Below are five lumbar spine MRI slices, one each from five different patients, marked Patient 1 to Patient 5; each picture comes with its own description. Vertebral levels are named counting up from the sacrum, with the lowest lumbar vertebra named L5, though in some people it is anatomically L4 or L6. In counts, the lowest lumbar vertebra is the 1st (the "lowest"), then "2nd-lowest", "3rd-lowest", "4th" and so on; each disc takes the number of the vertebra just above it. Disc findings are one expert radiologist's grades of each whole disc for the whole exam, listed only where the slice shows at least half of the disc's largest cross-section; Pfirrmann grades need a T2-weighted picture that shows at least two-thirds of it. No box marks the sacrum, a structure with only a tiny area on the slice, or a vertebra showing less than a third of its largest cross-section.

Patient 1 of 5:
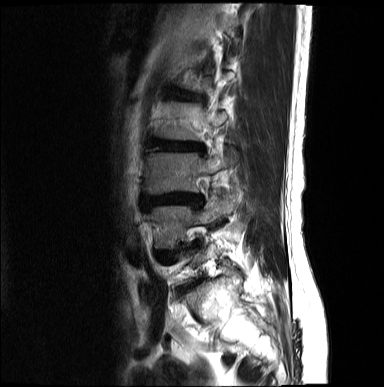 T2-weighted sagittal MRI of the lumbar spine.
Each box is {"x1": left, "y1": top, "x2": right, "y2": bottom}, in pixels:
Segmented structures:
* L3/L4: {"x1": 142, "y1": 192, "x2": 200, "y2": 206}
* L3 vertebra: {"x1": 145, "y1": 147, "x2": 239, "y2": 194}
* L4: {"x1": 152, "y1": 197, "x2": 229, "y2": 247}
* L2/L3: {"x1": 152, "y1": 139, "x2": 202, "y2": 150}
* disc L1/L2: {"x1": 177, "y1": 93, "x2": 192, "y2": 99}

Degenerative findings by level:
- L2/L3: Pfirrmann grade 4, disc bulging, lower-endplate change, upper-endplate change, disc narrowing
- L3/L4: Pfirrmann grade 5, disc bulging, upper-endplate change, disc narrowing, lower-endplate change

Patient 2 of 5:
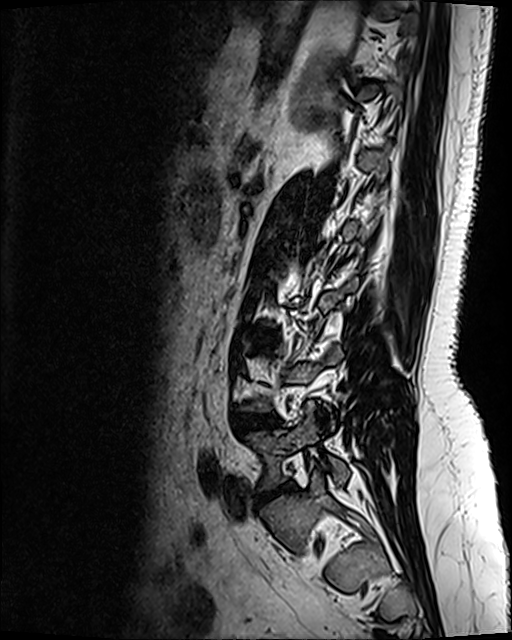
Slice 36 of 120 | Sagittal T2 SPACE (3D) lumbar spine MRI
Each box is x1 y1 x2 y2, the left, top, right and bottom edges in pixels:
IVD L5/S1 at 257 486 290 502, L5 at 246 401 349 489, IVD L4/L5 at 233 414 280 430, L3/L4 at 252 331 278 345.

Patient 3 of 5:
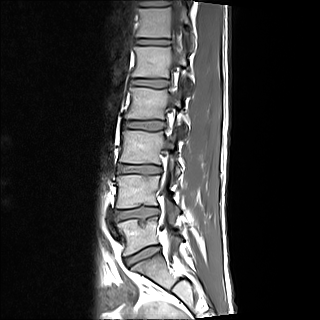

Slice 10/15; 320x320 px; Lumbar spine MR, T1-weighted, sagittal
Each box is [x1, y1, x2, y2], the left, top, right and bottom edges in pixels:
Structures:
* T11 at [141, 0, 191, 3]
* L2 at [125, 87, 187, 134]
* intervertebral disc L3/L4 at [118, 165, 161, 173]
* T12/L1 at [136, 39, 169, 44]
* L3 at [119, 130, 180, 175]
* intervertebral disc L1/L2 at [130, 79, 167, 87]
* L4/L5 at [115, 207, 158, 219]
* T12 vertebra at [136, 7, 194, 51]
* L4 at [116, 175, 179, 210]
* L5 vertebra at [116, 217, 183, 255]
* spinal canal at [161, 0, 182, 258]
* intervertebral disc L2/L3 at [123, 121, 164, 129]
* L1 at [132, 46, 192, 93]
* intervertebral disc L5/S1 at [125, 246, 159, 265]

Degenerative findings by level:
  L4/L5: upper-endplate change, lower-endplate change, disc bulging
  L3/L4: upper-endplate change, disc narrowing, lower-endplate change
  T12/L1: upper-endplate change, lower-endplate change
  L2/L3: lower-endplate change
  L5/S1: upper-endplate change
  L1/L2: no Modic or endplate change, herniation, narrowing, bulging or spondylolisthesis recorded

Patient 4 of 5:
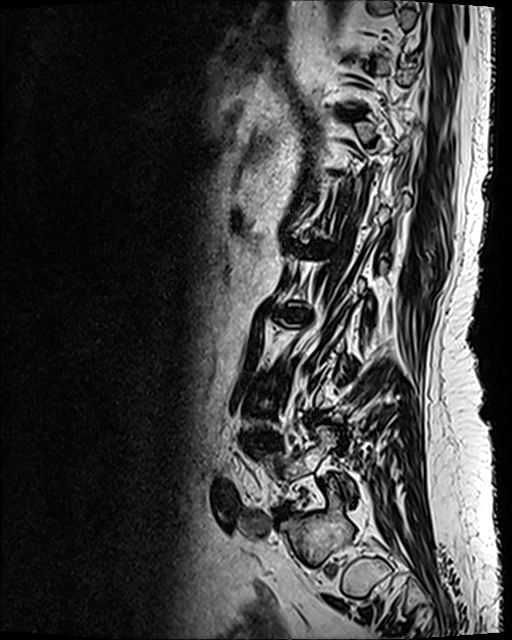
Image 512x640. Slice 30 of 120. Field of view 240x300 mm, slice spacing 0.9 mm. Lumbar spine MR, T2 SPACE (3D), sagittal.
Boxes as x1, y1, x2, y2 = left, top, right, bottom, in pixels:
IVD L2/L3: 283, 310, 305, 319.
L1/L2: 299, 246, 332, 255.

Patient 5 of 5:
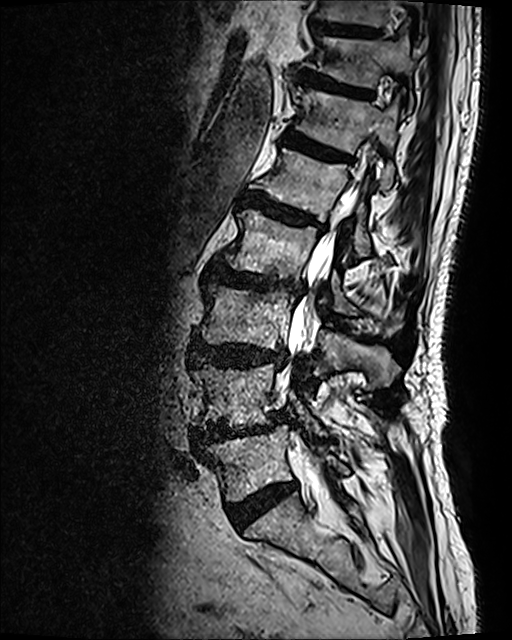
Lumbar spine MR, T2 SPACE (3D), sagittal

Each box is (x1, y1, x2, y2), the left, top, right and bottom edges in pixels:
L3: (197, 283, 399, 388)
L4: (194, 364, 327, 434)
T11: (306, 34, 413, 108)
T10 vertebra: (312, 0, 424, 38)
L2: (226, 209, 405, 335)
spinal canal: (283, 182, 359, 511)
L1 vertebra: (262, 149, 370, 256)
T12: (292, 88, 397, 191)
L5/S1: (228, 480, 297, 528)
IVD T11/T12: (294, 68, 370, 97)
L4/L5: (191, 412, 285, 451)
L1/L2: (242, 192, 318, 226)
L5 vertebra: (206, 425, 348, 501)
IVD L3/L4: (189, 341, 284, 367)
IVD T10/T11: (309, 22, 379, 39)
L2/L3: (214, 262, 301, 292)
T12/L1: (284, 131, 344, 159)

Expert MSK radiologist gradings (per disc):
• L4/L5: disc narrowing, disc bulging, lower-endplate change, disc herniation, spondylolisthesis, Modic type II, upper-endplate change
• L2/L3: Pfirrmann grade 4, Modic type I, upper-endplate change, lower-endplate change, disc narrowing, disc bulging
• T10/T11: Pfirrmann grade 3
• T11/T12: Pfirrmann grade 4, disc bulging, upper-endplate change, lower-endplate change
• L5/S1: Pfirrmann grade 4
• L3/L4: Pfirrmann grade 4, upper-endplate change, disc bulging, lower-endplate change
• L1/L2: Pfirrmann grade 4, Modic type II, upper-endplate change, lower-endplate change, disc bulging
• T12/L1: lower-endplate change, Modic type II, disc bulging, upper-endplate change